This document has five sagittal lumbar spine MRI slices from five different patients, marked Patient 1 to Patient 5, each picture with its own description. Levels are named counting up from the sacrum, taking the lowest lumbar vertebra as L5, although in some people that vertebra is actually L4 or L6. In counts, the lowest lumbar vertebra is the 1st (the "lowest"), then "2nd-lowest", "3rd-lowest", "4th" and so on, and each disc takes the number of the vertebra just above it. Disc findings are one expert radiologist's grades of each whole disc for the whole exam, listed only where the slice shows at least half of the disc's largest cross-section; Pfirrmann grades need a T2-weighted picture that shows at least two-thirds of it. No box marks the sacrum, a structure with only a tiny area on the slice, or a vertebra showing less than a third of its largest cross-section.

Patient 1 of 5:
Image 384x384, Sagittal slice index 3, Lumbar spine MR, T1-weighted, sagittal
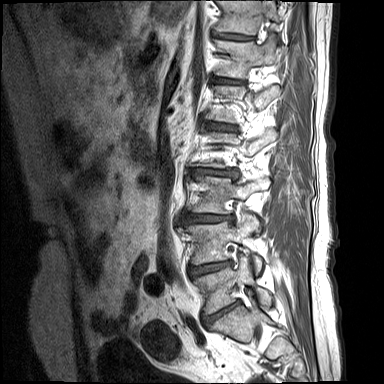

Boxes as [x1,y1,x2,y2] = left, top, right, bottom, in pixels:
Annotations:
• 2nd-lowest disc: [189,261,230,276]
• 2nd-lowest vertebra: [180,215,261,270]
• lowest disc: [204,301,238,324]
• lowest vertebra: [195,257,272,314]
• 3rd-lowest vertebra: [193,176,269,213]
• 6th vertebra: [215,40,282,78]
• 4th disc: [191,168,239,181]
• 5th disc: [207,123,235,131]
• 7th vertebra: [215,0,281,34]
• 7th disc: [213,33,253,40]
• 3rd-lowest disc: [185,213,233,224]
• 6th disc: [215,77,244,84]

Degenerative findings by level:
  3rd-lowest disc: Modic type II, disc narrowing, lower-endplate change, disc herniation, upper-endplate change
  6th disc: Modic type II, disc narrowing
  4th disc: disc herniation, Modic type II, disc narrowing, lower-endplate change
  7th disc: disc narrowing, Modic type II, lower-endplate change, upper-endplate change
  2nd-lowest disc: disc narrowing, lower-endplate change, Modic type II, disc bulging

Patient 2 of 5:
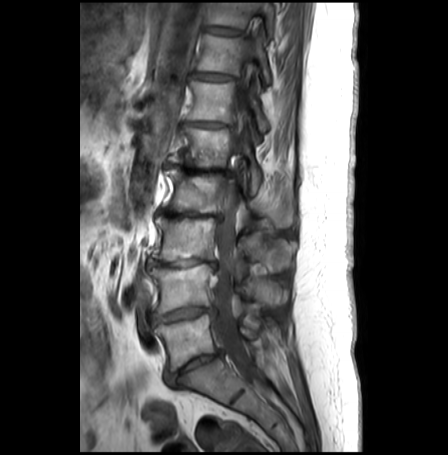

Sex F. T1-weighted sagittal MRI of the lumbar spine.
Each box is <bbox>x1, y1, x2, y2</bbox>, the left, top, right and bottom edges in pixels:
{"7th vertebra": "<bbox>196, 33, 271, 82</bbox>", "4th disc": "<bbox>156, 209, 221, 220</bbox>", "5th disc": "<bbox>165, 163, 232, 175</bbox>", "2nd-lowest vertebra": "<bbox>148, 263, 285, 312</bbox>", "lowest vertebra": "<bbox>154, 313, 256, 369</bbox>", "lowest disc": "<bbox>166, 350, 222, 384</bbox>", "7th disc": "<bbox>192, 71, 234, 80</bbox>", "5th vertebra": "<bbox>169, 127, 261, 192</bbox>", "thecal sac / spinal canal": "<bbox>211, 52, 271, 398</bbox>", "4th vertebra": "<bbox>162, 168, 295, 226</bbox>", "2nd-lowest disc": "<bbox>149, 305, 214, 323</bbox>", "6th vertebra": "<bbox>187, 81, 270, 130</bbox>", "6th disc": "<bbox>185, 120, 232, 127</bbox>", "8th vertebra": "<bbox>207, 3, 274, 36</bbox>", "3rd-lowest vertebra": "<bbox>151, 215, 296, 269</bbox>", "8th disc": "<bbox>204, 26, 241, 35</bbox>", "3rd-lowest disc": "<bbox>148, 258, 216, 266</bbox>"}

Per-level radiological findings:
- 6th disc: disc narrowing, disc bulging, Modic type II, upper-endplate change, lower-endplate change
- lowest disc: disc bulging, lower-endplate change, Modic type II, disc narrowing, upper-endplate change
- 5th disc: lower-endplate change, upper-endplate change, Modic type II, disc narrowing, disc bulging
- 2nd-lowest disc: disc bulging, Modic type II, disc herniation, lower-endplate change, disc narrowing, upper-endplate change
- 4th disc: disc bulging, disc narrowing, Modic type II, lower-endplate change, upper-endplate change
- 7th disc: disc bulging
- 3rd-lowest disc: Modic type II, lower-endplate change, upper-endplate change, disc bulging, disc narrowing
- 8th disc: no spondylolisthesis, narrowing, bulging, herniation, Modic or endplate change recorded

Patient 3 of 5:
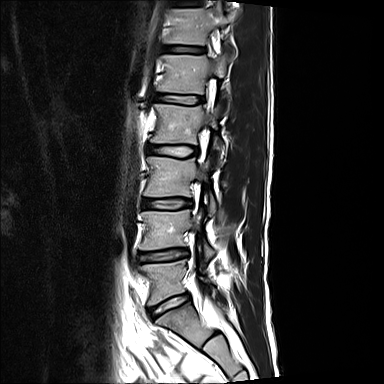 Patient sex: M, MRI lumbar spine (T2-weighted), sagittal plane, Sagittal slice index 4

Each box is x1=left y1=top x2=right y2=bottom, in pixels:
L3 (3rd-lowest vertebra) at x1=144 y1=157 x2=216 y2=217.
L2 (4th vertebra) at x1=150 y1=104 x2=223 y2=157.
L4/L5 (2nd-lowest disc) at x1=139 y1=249 x2=187 y2=261.
T12 (6th vertebra) at x1=168 y1=4 x2=235 y2=44.
L4 (2nd-lowest vertebra) at x1=140 y1=210 x2=216 y2=264.
L1 (5th vertebra) at x1=157 y1=54 x2=230 y2=106.
Intervertebral disc L2/L3 (4th disc) at x1=148 y1=145 x2=197 y2=156.
Intervertebral disc T12/L1 (6th disc) at x1=164 y1=46 x2=204 y2=53.
L5/S1 (lowest disc) at x1=149 y1=294 x2=190 y2=318.
L1/L2 (5th disc) at x1=155 y1=94 x2=202 y2=104.
T11/T12 (7th disc) at x1=173 y1=1 x2=198 y2=6.
Intervertebral disc L3/L4 (3rd-lowest disc) at x1=142 y1=199 x2=191 y2=209.
L5 (lowest vertebra) at x1=141 y1=260 x2=220 y2=305.

Per-level radiological findings:
  T11/T12 (7th disc): Pfirrmann grade 2, upper-endplate change
  L2/L3 (4th disc): Pfirrmann grade 2, lower-endplate change
  L5/S1 (lowest disc): Pfirrmann grade 2, upper-endplate change
  T12/L1 (6th disc): Pfirrmann grade 2, upper-endplate change, lower-endplate change
  L3/L4 (3rd-lowest disc): Pfirrmann grade 2, disc narrowing, upper-endplate change, lower-endplate change
  L4/L5 (2nd-lowest disc): Pfirrmann grade 2, upper-endplate change, disc bulging, lower-endplate change
  L1/L2 (5th disc): Pfirrmann grade 2

Patient 4 of 5:
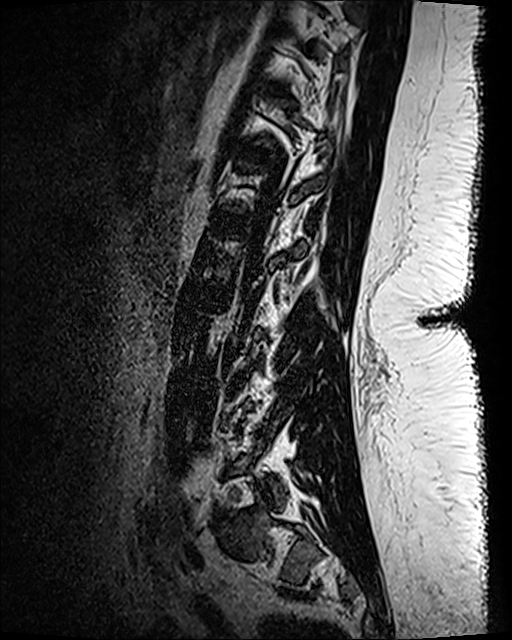 MRI lumbar spine (T2 SPACE (3D)), sagittal plane. Patient sex: F.
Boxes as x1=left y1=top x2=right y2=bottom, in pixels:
Structures:
• 6th disc — x1=235 y1=141 x2=269 y2=160
• 4th disc — x1=201 y1=290 x2=227 y2=302
• 7th disc — x1=267 y1=82 x2=284 y2=92

Patient 5 of 5:
Sagittal T1-weighted lumbar spine MRI | Slice spacing 3.3 mm | 448x451 px

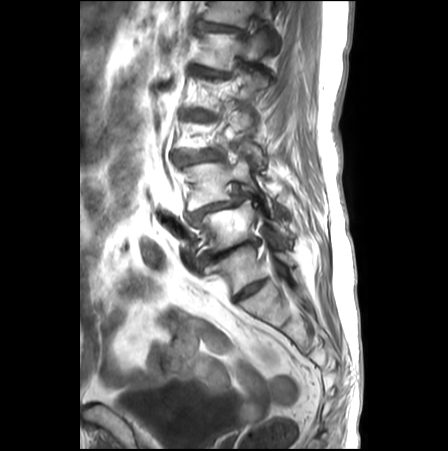 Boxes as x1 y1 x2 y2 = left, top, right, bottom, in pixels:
T12 vertebra = 203 1 272 27 | thecal sac / spinal canal = 273 263 283 276 | L1 vertebra = 196 29 275 70 | IVD L1/L2 = 190 66 229 78 | T12/L1 = 197 21 242 32 | IVD L4/L5 = 187 194 245 221 | IVD L2/L3 = 185 111 211 120 | IVD L3/L4 = 177 156 217 164 | L4 = 183 157 276 216 | L5 vertebra = 199 200 287 252 | L5/S1 = 197 239 260 267

Degenerative findings by level:
• L1/L2: lower-endplate change, disc bulging, disc narrowing
• T12/L1: disc bulging, lower-endplate change, upper-endplate change
• L4/L5: disc narrowing, Modic type II, disc herniation, disc bulging, upper-endplate change, spondylolisthesis, lower-endplate change
• L5/S1: disc bulging, lower-endplate change, disc narrowing, Modic type II, upper-endplate change, disc herniation